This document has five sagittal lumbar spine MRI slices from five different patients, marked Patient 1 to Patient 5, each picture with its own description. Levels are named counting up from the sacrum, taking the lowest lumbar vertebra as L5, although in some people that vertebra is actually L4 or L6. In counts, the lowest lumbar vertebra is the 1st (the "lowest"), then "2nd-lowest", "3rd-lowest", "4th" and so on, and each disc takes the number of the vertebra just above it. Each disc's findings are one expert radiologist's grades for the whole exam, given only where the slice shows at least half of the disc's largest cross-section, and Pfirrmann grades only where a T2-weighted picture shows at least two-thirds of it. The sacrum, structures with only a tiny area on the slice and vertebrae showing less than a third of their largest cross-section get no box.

Patient 1 of 5:
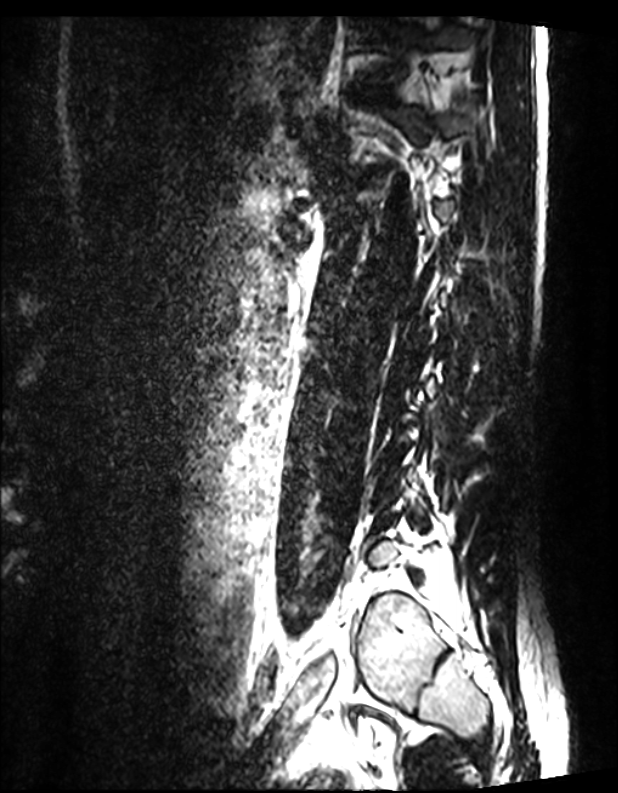 Lumbar spine MR, T2 SPACE (3D), sagittal. Sex M. Slice 104/144. 618x793 px.
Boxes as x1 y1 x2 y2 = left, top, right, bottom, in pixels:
IVD T11/T12: 360 87 384 98
T11: 350 17 475 82

Patient 2 of 5:
Slice 15/24, Sagittal T1-weighted lumbar spine MRI

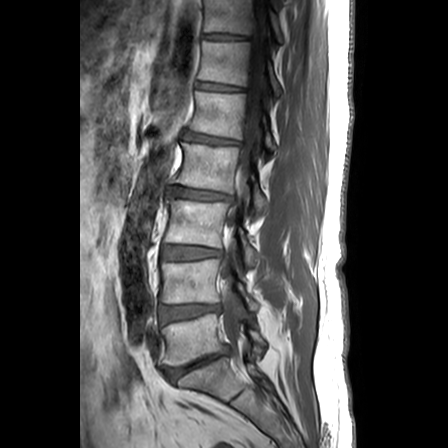

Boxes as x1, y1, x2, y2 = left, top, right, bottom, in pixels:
L4/L5 — 160, 304, 219, 322 | L5 vertebra — 159, 314, 265, 368 | T12/L1 — 197, 81, 241, 91 | L1 — 190, 91, 276, 149 | L3 — 165, 199, 258, 266 | L5/S1 — 166, 345, 230, 381 | T12 vertebra — 198, 41, 281, 95 | L3/L4 — 162, 245, 222, 259 | L2/L3 — 168, 187, 232, 200 | L1/L2 — 185, 132, 238, 144 | L4 — 161, 259, 258, 309 | T11/T12 — 202, 34, 246, 39 | L2 vertebra — 175, 143, 268, 213 | thecal sac / spinal canal — 221, 0, 266, 347 | T11 vertebra — 204, 0, 283, 42

Degenerative findings by level:
  L5/S1: Modic type II, upper-endplate change, disc herniation, disc narrowing, disc bulging, lower-endplate change, spondylolisthesis
  L4/L5: disc bulging, disc narrowing
  L1/L2: disc bulging, Modic type II, lower-endplate change, upper-endplate change
  L3/L4: disc bulging
  L2/L3: disc bulging
  T11/T12, T12/L1: no herniation, bulging, narrowing, spondylolisthesis, endplate or Modic change recorded

Patient 3 of 5:
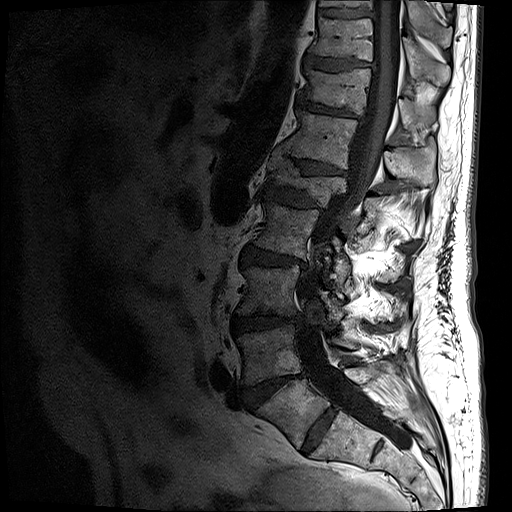
Sagittal slice index 11 | Lumbar spine MR, T1-weighted, sagittal | 512x512 px
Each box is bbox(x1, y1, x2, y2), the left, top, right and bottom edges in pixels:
Intervertebral disc T11/T12 — bbox(297, 97, 359, 117).
Intervertebral disc L2/L3 — bbox(241, 247, 306, 268).
L5 vertebra — bbox(256, 363, 405, 448).
T10 vertebra — bbox(309, 17, 450, 85).
L1/L2 — bbox(263, 184, 321, 207).
L3/L4 — bbox(232, 314, 298, 333).
L4 vertebra — bbox(235, 324, 359, 385).
T11 — bbox(301, 67, 437, 130).
Thecal sac / spinal canal — bbox(296, 0, 412, 450).
L5/S1 — bbox(302, 408, 335, 453).
L3 — bbox(237, 265, 345, 321).
L4/L5 — bbox(243, 372, 308, 409).
T12 vertebra — bbox(285, 109, 436, 185).
L1 vertebra — bbox(268, 155, 423, 233).
T9/T10 — bbox(318, 8, 371, 17).
T10/T11 — bbox(305, 55, 369, 71).
T9 — bbox(319, 0, 452, 46).
L2 vertebra — bbox(254, 200, 405, 285).
T12/L1 — bbox(277, 144, 347, 174).

Per-level radiological findings:
  T12/L1: lower-endplate change, disc bulging, disc narrowing, upper-endplate change
  T10/T11: upper-endplate change, disc bulging, lower-endplate change
  L1/L2: lower-endplate change, disc narrowing, disc bulging, upper-endplate change
  T11/T12: disc narrowing, lower-endplate change, disc bulging, upper-endplate change
  T9/T10: lower-endplate change
  L4/L5: disc herniation, disc narrowing, lower-endplate change, Modic type II, upper-endplate change, disc bulging
  L2/L3: disc narrowing, upper-endplate change, Modic type II, lower-endplate change, disc bulging
  L3/L4: upper-endplate change, lower-endplate change, disc bulging, disc narrowing
  L5/S1: no spondylolisthesis, narrowing, bulging, herniation, Modic or endplate change recorded

Patient 4 of 5:
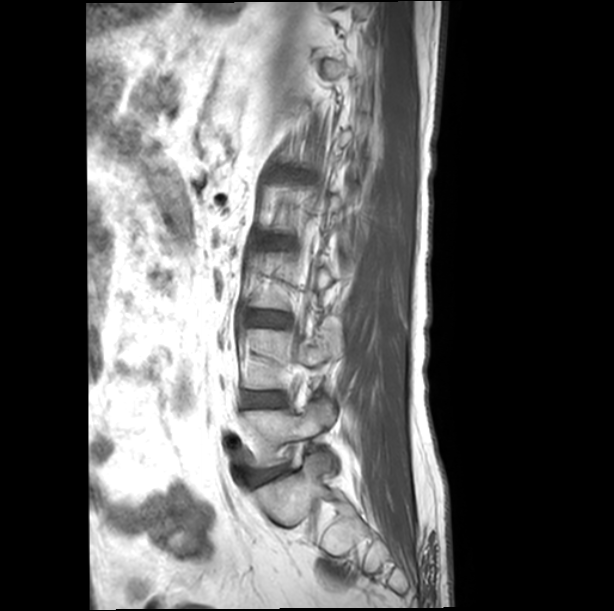

Image 614x611; Sagittal T1-weighted lumbar spine MRI

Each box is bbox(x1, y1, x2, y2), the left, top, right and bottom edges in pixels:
2nd-lowest disc at bbox(243, 393, 286, 407) | lowest disc at bbox(252, 468, 285, 481) | lowest vertebra at bbox(243, 398, 334, 467) | 3rd-lowest disc at bbox(250, 313, 288, 326) | 2nd-lowest vertebra at bbox(243, 328, 343, 389)

Patient 5 of 5:
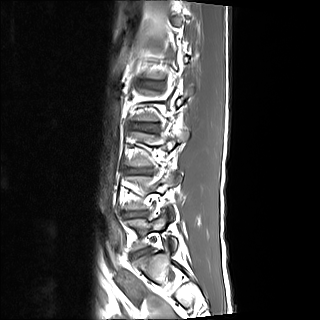 Sagittal T1-weighted lumbar spine MRI

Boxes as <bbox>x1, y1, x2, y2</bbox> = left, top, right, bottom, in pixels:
3rd-lowest disc: <bbox>129, 169, 149, 173</bbox>
2nd-lowest disc: <bbox>126, 212, 143, 216</bbox>
lowest vertebra: <bbox>126, 210, 176, 250</bbox>